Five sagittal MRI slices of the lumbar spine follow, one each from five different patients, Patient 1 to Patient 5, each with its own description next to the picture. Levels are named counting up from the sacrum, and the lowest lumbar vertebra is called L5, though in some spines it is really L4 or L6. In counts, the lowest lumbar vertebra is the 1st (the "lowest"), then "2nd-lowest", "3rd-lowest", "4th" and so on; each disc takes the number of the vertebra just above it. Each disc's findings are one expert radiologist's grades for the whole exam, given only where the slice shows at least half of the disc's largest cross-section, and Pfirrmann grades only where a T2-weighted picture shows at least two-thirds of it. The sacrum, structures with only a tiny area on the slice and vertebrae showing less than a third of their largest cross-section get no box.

Patient 1 of 5:
SIEMENS Avanto_fit (1.5T), Image 528x533, Sagittal T2-weighted lumbar spine MRI 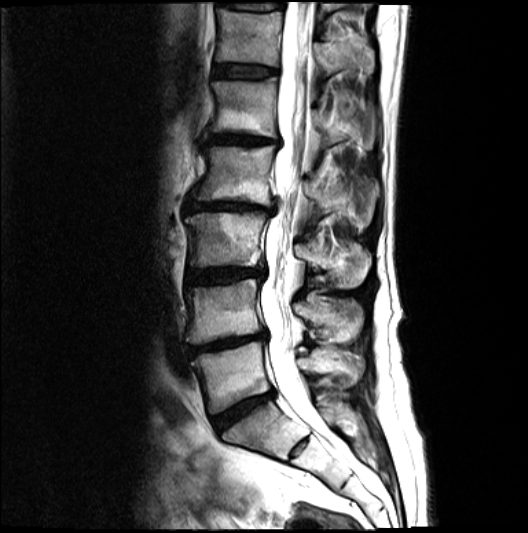

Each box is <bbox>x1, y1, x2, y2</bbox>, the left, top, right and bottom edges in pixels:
- L5 = <bbox>191, 342, 363, 415</bbox>
- disc L3/L4 = <bbox>190, 268, 263, 283</bbox>
- L4 vertebra = <bbox>186, 279, 362, 343</bbox>
- disc L2/L3 = <bbox>186, 200, 270, 213</bbox>
- thecal sac / spinal canal = <bbox>260, 3, 314, 424</bbox>
- L2 vertebra = <bbox>191, 148, 378, 223</bbox>
- disc T12/L1 = <bbox>214, 66, 277, 78</bbox>
- disc L1/L2 = <bbox>208, 134, 281, 147</bbox>
- L1 = <bbox>213, 79, 343, 147</bbox>
- disc L5/S1 = <bbox>216, 393, 273, 430</bbox>
- disc L4/L5 = <bbox>188, 331, 266, 355</bbox>
- L3 vertebra = <bbox>186, 213, 369, 288</bbox>
- T12 vertebra = <bbox>217, 9, 343, 76</bbox>

Radiological gradings:
- L1/L2: Pfirrmann grade 5, Modic type II, disc narrowing, disc bulging, upper-endplate change, lower-endplate change
- L5/S1: Pfirrmann grade 4, disc bulging, Modic type II, disc narrowing
- L2/L3: Pfirrmann grade 5, disc narrowing, lower-endplate change, upper-endplate change, Modic type II, disc bulging
- L4/L5: Pfirrmann grade 5, disc bulging, Modic type II, upper-endplate change, lower-endplate change, disc narrowing
- L3/L4: Pfirrmann grade 4, Modic type II, disc narrowing, disc bulging
- T12/L1: Pfirrmann grade 3

Patient 2 of 5:
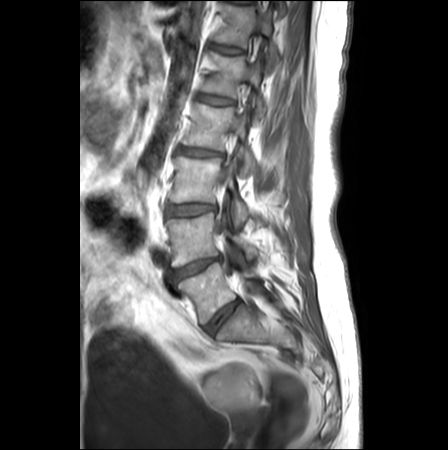
Sagittal slice index 16, Sex F, T1-weighted sagittal MRI of the lumbar spine
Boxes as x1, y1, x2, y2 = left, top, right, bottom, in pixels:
* L4/L5: 171, 257, 220, 281
* T12: 212, 3, 279, 64
* disc L3/L4: 166, 204, 215, 215
* L1: 200, 51, 267, 118
* disc L1/L2: 196, 93, 233, 104
* L2 vertebra: 181, 102, 255, 172
* disc T12/L1: 208, 43, 243, 54
* disc L5/S1: 205, 300, 240, 334
* L5: 178, 263, 261, 324
* L3: 168, 157, 249, 225
* disc L2/L3: 177, 147, 221, 156
* L4: 166, 213, 257, 266

Radiological gradings:
  L4/L5: Modic type II, disc narrowing, lower-endplate change, disc herniation, upper-endplate change
  L2/L3: disc bulging
  L3/L4: disc bulging
  T12/L1, L5/S1, L1/L2: no herniation, bulging, narrowing, spondylolisthesis, endplate or Modic change recorded

Patient 3 of 5:
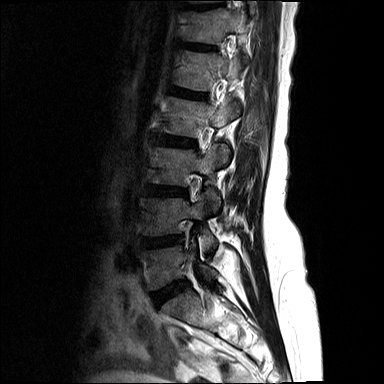

T2-weighted sagittal MRI of the lumbar spine | 384x384 px

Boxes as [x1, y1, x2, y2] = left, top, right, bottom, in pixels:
Segmented structures:
• L2/L3: [156, 136, 193, 146]
• IVD L5/S1: [153, 281, 186, 306]
• L1 vertebra: [176, 51, 241, 90]
• L3 vertebra: [152, 145, 220, 213]
• T12/L1: [186, 43, 211, 50]
• IVD T11/T12: [187, 4, 218, 9]
• L2: [162, 97, 236, 167]
• IVD L4/L5: [142, 236, 180, 247]
• L5: [142, 238, 216, 289]
• L4: [144, 194, 215, 250]
• T12: [186, 9, 250, 43]
• L1/L2: [170, 88, 205, 98]
• L3/L4: [146, 185, 185, 195]

Radiological gradings:
  L3/L4: disc narrowing, disc bulging, upper-endplate change, lower-endplate change
  L5/S1: disc bulging
  L2/L3: upper-endplate change, disc bulging, lower-endplate change
  L1/L2: no Modic or endplate change, herniation, narrowing, bulging or spondylolisthesis recorded

Patient 4 of 5:
Image 448x451. Lumbar spine MR, T2-weighted, sagittal. Scanner: Philips Healthcare Ingenia (3T).
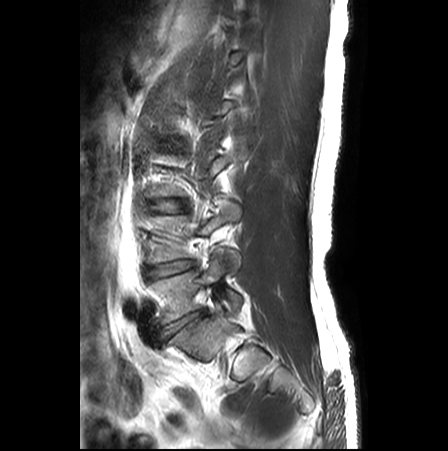 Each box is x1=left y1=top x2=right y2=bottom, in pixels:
Annotations:
• L3/L4 = x1=150 y1=199 x2=182 y2=213
• L5/S1 = x1=165 y1=310 x2=203 y2=336
• L5 = x1=149 y1=254 x2=242 y2=324
• L4 = x1=147 y1=204 x2=240 y2=273
• disc L4/L5 = x1=147 y1=261 x2=192 y2=279

Expert MSK radiologist gradings (per disc):
- L4/L5: disc bulging, disc narrowing

Patient 5 of 5:
T2 SPACE (3D) sagittal MRI of the lumbar spine | Image 512x640 | Scanner: SIEMENS Avanto_fit (1.5T)

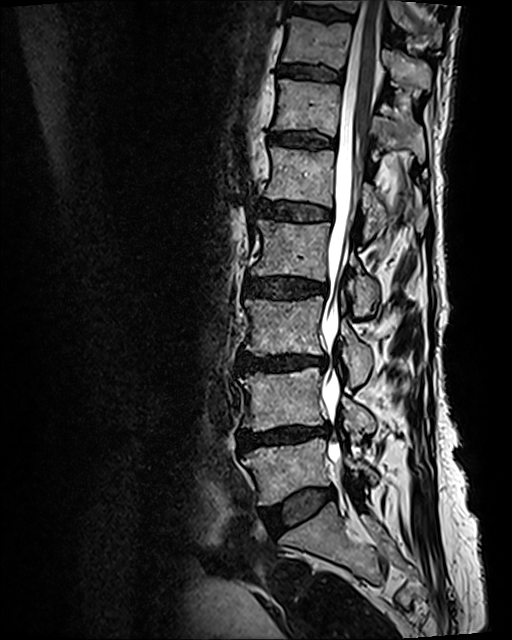
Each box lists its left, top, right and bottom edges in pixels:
{"4th disc": "left=244, top=276, right=326, bottom=298", "5th vertebra": "left=265, top=147, right=428, bottom=239", "7th disc": "left=278, top=64, right=343, bottom=81", "3rd-lowest vertebra": "left=244, top=295, right=373, bottom=387", "8th vertebra": "left=303, top=0, right=441, bottom=44", "8th disc": "left=292, top=7, right=352, bottom=19", "5th disc": "left=259, top=201, right=331, bottom=221", "2nd-lowest disc": "left=239, top=423, right=329, bottom=449", "spinal canal": "left=322, top=0, right=381, bottom=483", "3rd-lowest disc": "left=238, top=353, right=326, bottom=372", "6th disc": "left=270, top=131, right=334, bottom=148", "4th vertebra": "left=251, top=220, right=379, bottom=314", "7th vertebra": "left=282, top=16, right=431, bottom=91", "6th vertebra": "left=273, top=80, right=425, bottom=161", "2nd-lowest vertebra": "left=240, top=367, right=376, bottom=440", "lowest vertebra": "left=242, top=438, right=377, bottom=505", "lowest disc": "left=261, top=489, right=333, bottom=530"}

Radiological gradings:
- 2nd-lowest disc: Pfirrmann grade 4, disc bulging, lower-endplate change, upper-endplate change, Modic type II, disc narrowing
- 4th disc: Pfirrmann grade 3, disc bulging, lower-endplate change, Modic type II, upper-endplate change
- 6th disc: Pfirrmann grade 2, upper-endplate change, lower-endplate change, Modic type II
- 3rd-lowest disc: Pfirrmann grade 4, disc bulging, upper-endplate change, lower-endplate change, Modic type II, disc narrowing
- 7th disc: Pfirrmann grade 2, Modic type II, lower-endplate change, upper-endplate change
- 5th disc: Pfirrmann grade 3, Modic type II, lower-endplate change, upper-endplate change
- lowest disc: Pfirrmann grade 2, disc bulging
- 8th disc: Pfirrmann grade 2, upper-endplate change, lower-endplate change